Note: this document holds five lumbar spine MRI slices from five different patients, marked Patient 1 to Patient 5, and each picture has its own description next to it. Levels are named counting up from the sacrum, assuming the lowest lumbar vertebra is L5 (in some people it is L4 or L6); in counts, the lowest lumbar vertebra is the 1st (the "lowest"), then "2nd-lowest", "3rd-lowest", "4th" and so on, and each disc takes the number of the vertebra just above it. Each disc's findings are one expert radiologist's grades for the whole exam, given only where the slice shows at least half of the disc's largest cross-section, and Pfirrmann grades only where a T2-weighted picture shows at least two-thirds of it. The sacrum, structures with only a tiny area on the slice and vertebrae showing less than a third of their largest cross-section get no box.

Patient 1 of 5:
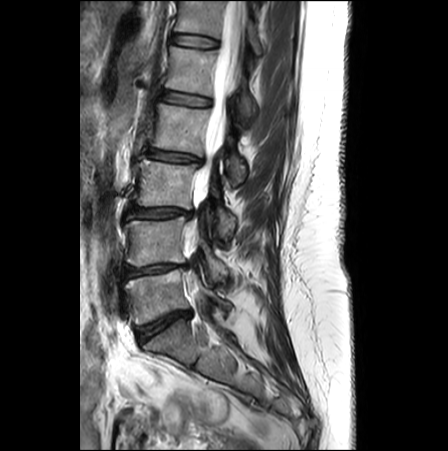 Sagittal T2-weighted lumbar spine MRI, Patient sex: F
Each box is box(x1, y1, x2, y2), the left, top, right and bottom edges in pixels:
IVD T12/L1: box(171, 33, 217, 47).
IVD L2/L3: box(146, 150, 200, 162).
IVD L1/L2: box(161, 91, 210, 106).
IVD L4/L5: box(122, 263, 185, 277).
T12 vertebra: box(175, 0, 262, 54).
L2 vertebra: box(150, 104, 245, 187).
L3/L4: box(128, 206, 190, 218).
L1 vertebra: box(165, 46, 256, 119).
L5/S1: box(137, 311, 190, 343).
L4 vertebra: box(124, 216, 227, 280).
L5 vertebra: box(124, 268, 229, 323).
L3 vertebra: box(136, 159, 235, 239).
Thecal sac / spinal canal: box(185, 0, 246, 290).

Degenerative findings by level:
  L5/S1: Pfirrmann grade 4, disc narrowing, Modic type II, disc bulging
  T12/L1: Pfirrmann grade 1
  L2/L3: Pfirrmann grade 2, disc bulging, disc narrowing
  L3/L4: Pfirrmann grade 2, disc bulging, Modic type II
  L1/L2: Pfirrmann grade 1
  L4/L5: Pfirrmann grade 3, Modic type II, upper-endplate change, disc narrowing, disc bulging

Patient 2 of 5:
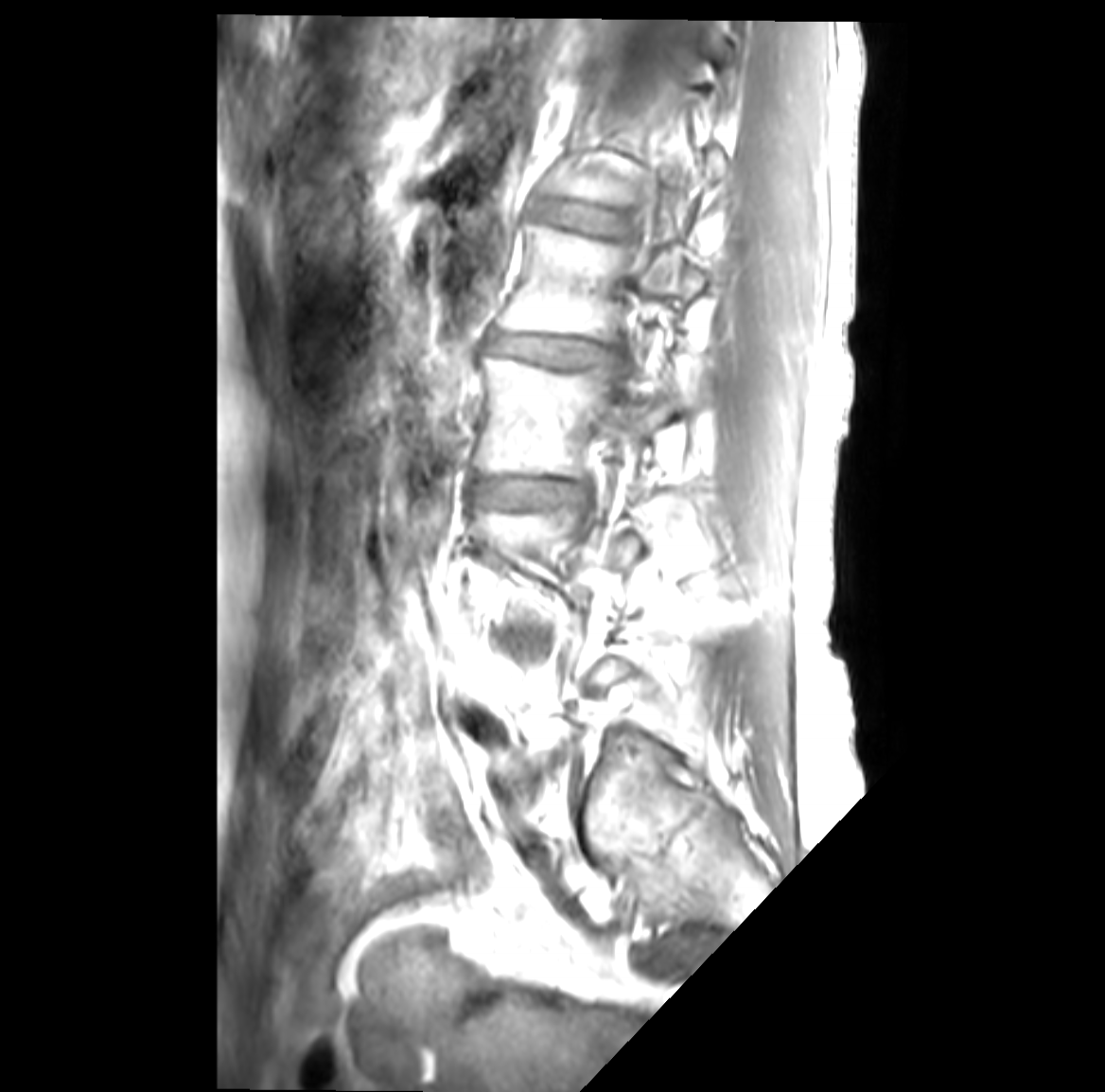

1105x1092 px, Sagittal T1-weighted lumbar spine MRI

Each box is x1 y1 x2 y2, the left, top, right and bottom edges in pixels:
Disc L1/L2: 538 202 623 235.
Disc L3/L4: 476 478 588 508.
L4: 475 505 645 622.
L3: 476 354 711 478.
L2: 499 224 710 340.
L2/L3: 491 333 610 367.

Expert MSK radiologist gradings (per disc):
• L3/L4: Modic type II, disc bulging
• L2/L3: disc narrowing, disc bulging, Modic type II
• L1/L2: no herniation, bulging, narrowing, spondylolisthesis, endplate or Modic change recorded

Patient 3 of 5:
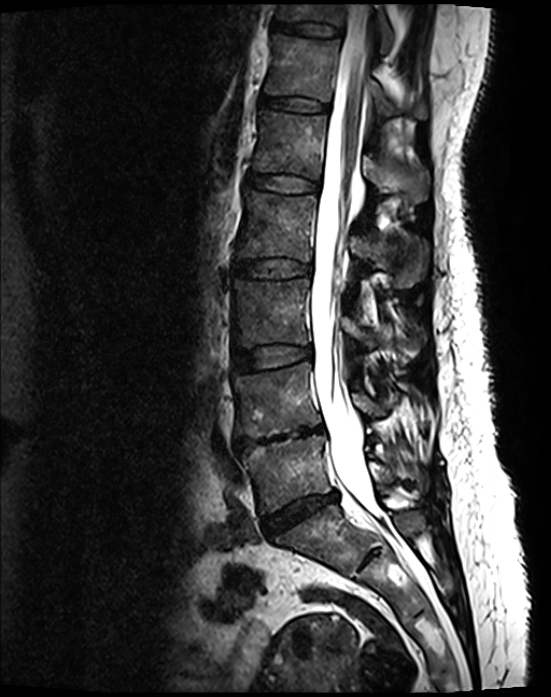 551x697 px. MRI lumbar spine (T2 SPACE (3D)), sagittal plane. Slice 70/130.

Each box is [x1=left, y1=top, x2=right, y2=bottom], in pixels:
3rd-lowest vertebra at [x1=233, y1=279, x2=419, y2=362], 4th disc at [x1=235, y1=259, x2=310, y2=279], spinal canal at [x1=310, y1=4, x2=376, y2=516], 5th disc at [x1=248, y1=174, x2=319, y2=192], 7th disc at [x1=272, y1=22, x2=340, y2=36], 2nd-lowest vertebra at [x1=235, y1=362, x2=423, y2=437], 6th vertebra at [x1=265, y1=35, x2=425, y2=124], 4th vertebra at [x1=237, y1=191, x2=426, y2=287], 6th disc at [x1=259, y1=96, x2=328, y2=111], lowest disc at [x1=263, y1=492, x2=337, y2=535], 7th vertebra at [x1=278, y1=4, x2=392, y2=53], 5th vertebra at [x1=253, y1=110, x2=427, y2=202], lowest vertebra at [x1=242, y1=435, x2=427, y2=512], 3rd-lowest disc at [x1=234, y1=344, x2=312, y2=371], 2nd-lowest disc at [x1=235, y1=426, x2=323, y2=451].

Expert MSK radiologist gradings (per disc):
  lowest disc: Pfirrmann grade 4, disc narrowing, disc bulging
  7th disc: Pfirrmann grade 2
  3rd-lowest disc: Pfirrmann grade 2
  5th disc: Pfirrmann grade 2
  6th disc: Pfirrmann grade 2
  2nd-lowest disc: Pfirrmann grade 5, Modic type II, upper-endplate change, lower-endplate change, disc bulging, disc narrowing
  4th disc: Pfirrmann grade 2

Patient 4 of 5:
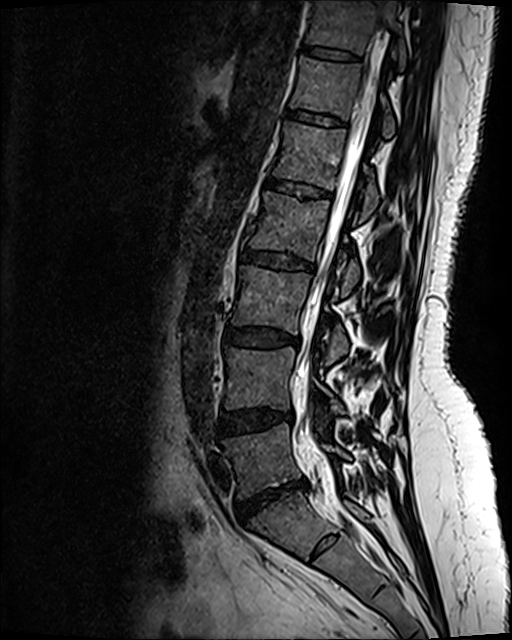 T2 SPACE (3D) sagittal MRI of the lumbar spine. Slice 50 of 120. 512x640 px.
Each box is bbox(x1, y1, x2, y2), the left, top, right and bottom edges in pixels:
L3 (3rd-lowest vertebra) = bbox(231, 266, 347, 363).
T12 (6th vertebra) = bbox(290, 58, 394, 138).
L5 (lowest vertebra) = bbox(224, 425, 350, 498).
L2/L3 (4th disc) = bbox(242, 251, 314, 272).
L1 (5th vertebra) = bbox(274, 122, 378, 217).
IVD L1/L2 (5th disc) = bbox(267, 180, 329, 197).
Thecal sac / spinal canal = bbox(300, 37, 384, 468).
T12/L1 (6th disc) = bbox(285, 112, 345, 128).
L4/L5 (2nd-lowest disc) = bbox(219, 410, 292, 437).
L4 (2nd-lowest vertebra) = bbox(226, 348, 344, 412).
IVD L3/L4 (3rd-lowest disc) = bbox(225, 330, 299, 347).
IVD T11/T12 (7th disc) = bbox(302, 48, 358, 63).
T11 (7th vertebra) = bbox(307, 2, 406, 67).
IVD L5/S1 (lowest disc) = bbox(236, 482, 306, 523).
L2 (4th vertebra) = bbox(242, 192, 360, 294).

Expert MSK radiologist gradings (per disc):
• T12/L1 (6th disc): Pfirrmann grade 2, lower-endplate change, upper-endplate change
• L1/L2 (5th disc): Pfirrmann grade 2, lower-endplate change, upper-endplate change
• L2/L3 (4th disc): Pfirrmann grade 4, lower-endplate change, upper-endplate change, disc bulging
• L4/L5 (2nd-lowest disc): Pfirrmann grade 2, disc bulging
• T11/T12 (7th disc): Pfirrmann grade 2
• L3/L4 (3rd-lowest disc): Pfirrmann grade 2, disc bulging
• L5/S1 (lowest disc): Pfirrmann grade 1, disc narrowing, disc bulging, disc herniation

Patient 5 of 5:
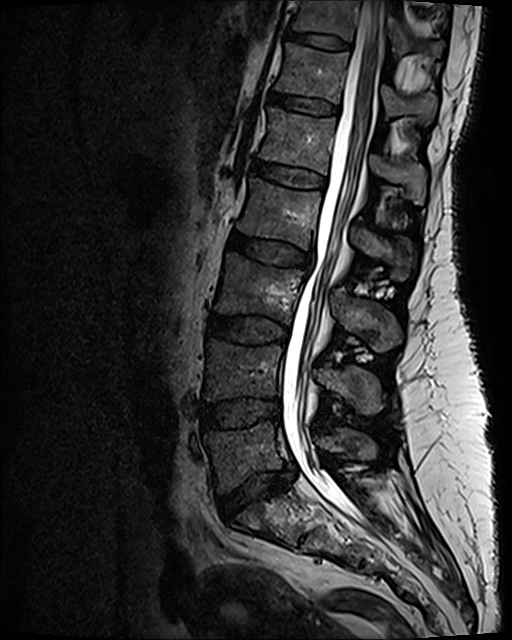 MRI lumbar spine (T2 SPACE (3D)), sagittal plane | Image 512x640

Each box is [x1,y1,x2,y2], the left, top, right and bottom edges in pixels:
T12/L1 (6th disc) at [270,92,337,114], intervertebral disc L5/S1 (lowest disc) at [220,470,288,519], L2 (4th vertebra) at [238,179,417,280], spinal canal at [282,0,385,520], L4/L5 (2nd-lowest disc) at [198,400,280,427], T11 (7th vertebra) at [291,0,444,56], L3 (3rd-lowest vertebra) at [214,254,400,351], intervertebral disc L2/L3 (4th disc) at [229,232,311,266], L1 (5th vertebra) at [258,108,425,205], L5 (lowest vertebra) at [205,422,376,491], intervertebral disc T11/T12 (7th disc) at [286,32,350,49], T12 (6th vertebra) at [276,43,437,120], L3/L4 (3rd-lowest disc) at [208,315,286,343], intervertebral disc L1/L2 (5th disc) at [251,160,325,187], L4 (2nd-lowest vertebra) at [204,340,380,414].

Per-level radiological findings:
• L1/L2 (5th disc): Pfirrmann grade 2
• T11/T12 (7th disc): Pfirrmann grade 2
• T12/L1 (6th disc): Pfirrmann grade 2
• L2/L3 (4th disc): Pfirrmann grade 3, disc bulging
• L4/L5 (2nd-lowest disc): Pfirrmann grade 3, disc bulging
• L3/L4 (3rd-lowest disc): Pfirrmann grade 3
• L5/S1 (lowest disc): Pfirrmann grade 3, lower-endplate change, disc herniation, disc narrowing, upper-endplate change